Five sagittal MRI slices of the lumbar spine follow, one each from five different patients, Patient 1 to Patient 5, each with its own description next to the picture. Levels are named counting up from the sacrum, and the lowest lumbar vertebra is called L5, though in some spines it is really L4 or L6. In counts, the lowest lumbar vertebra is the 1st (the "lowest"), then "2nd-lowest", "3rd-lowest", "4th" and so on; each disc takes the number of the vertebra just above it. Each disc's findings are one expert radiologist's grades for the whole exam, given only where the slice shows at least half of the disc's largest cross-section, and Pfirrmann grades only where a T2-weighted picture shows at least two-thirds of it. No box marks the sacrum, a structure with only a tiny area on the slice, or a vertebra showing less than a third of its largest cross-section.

Patient 1 of 5:
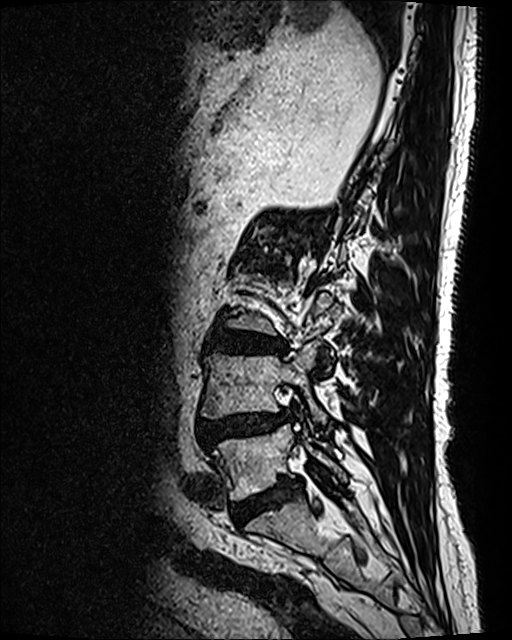 Lumbar spine MR, T2 SPACE (3D), sagittal | Slice 42 of 120
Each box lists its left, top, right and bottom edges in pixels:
L5 (lowest vertebra) — left=215, top=424, right=346, bottom=499 | intervertebral disc L4/L5 (2nd-lowest disc) — left=198, top=413, right=284, bottom=448 | L3/L4 (3rd-lowest disc) — left=206, top=329, right=286, bottom=353 | L4 (2nd-lowest vertebra) — left=201, top=344, right=326, bottom=424 | L5/S1 (lowest disc) — left=239, top=478, right=301, bottom=519

Expert MSK radiologist gradings (per disc):
• L4/L5 (2nd-lowest disc): Pfirrmann grade 4, Modic type II, disc narrowing, upper-endplate change, disc herniation, disc bulging, lower-endplate change, spondylolisthesis
• L3/L4 (3rd-lowest disc): Pfirrmann grade 4, disc bulging, lower-endplate change, upper-endplate change
• L5/S1 (lowest disc): no spondylolisthesis, narrowing, bulging, herniation, Modic or endplate change recorded

Patient 2 of 5:
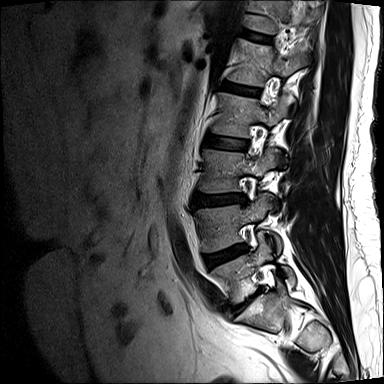

Image 384x384; T2-weighted sagittal MRI of the lumbar spine; Slice spacing 4.8 mm

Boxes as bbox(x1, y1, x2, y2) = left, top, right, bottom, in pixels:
L1/L2 (5th disc): bbox(221, 83, 259, 95) | disc L2/L3 (4th disc): bbox(203, 136, 247, 150) | L3/L4 (3rd-lowest disc): bbox(192, 194, 245, 205) | L1 (5th vertebra): bbox(227, 40, 307, 114) | L4 (2nd-lowest vertebra): bbox(194, 194, 281, 256) | disc T12/L1 (6th disc): bbox(241, 31, 270, 42) | L2 (4th vertebra): bbox(210, 92, 287, 168) | L3 (3rd-lowest vertebra): bbox(197, 150, 280, 210) | T12 (6th vertebra): bbox(247, 0, 314, 35) | L5 (lowest vertebra): bbox(212, 238, 295, 304) | L4/L5 (2nd-lowest disc): bbox(205, 245, 246, 265) | L5/S1 (lowest disc): bbox(230, 290, 258, 311)

Radiological gradings:
  L1/L2 (5th disc): upper-endplate change
  L5/S1 (lowest disc): lower-endplate change, Modic type II, upper-endplate change, disc bulging, disc narrowing
  L4/L5 (2nd-lowest disc): disc bulging, disc narrowing, lower-endplate change
  L3/L4 (3rd-lowest disc): Pfirrmann grade 1, disc bulging
  L2/L3 (4th disc): Pfirrmann grade 1
  T12/L1 (6th disc): no spondylolisthesis, narrowing, bulging, herniation, Modic or endplate change recorded

Patient 3 of 5:
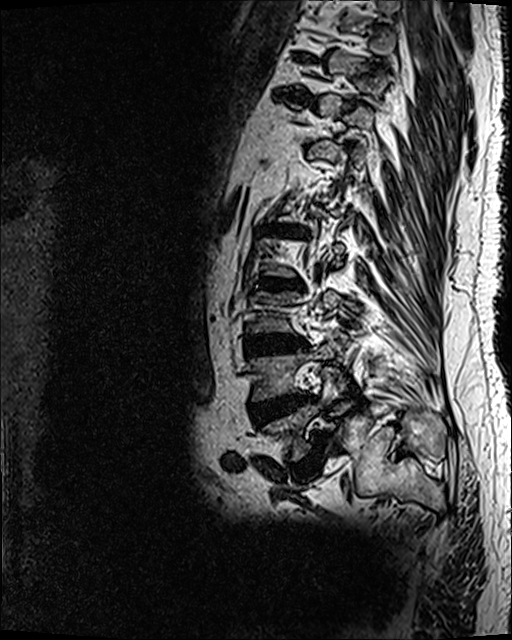 Patient sex: M, Slice 37/120, Sagittal T2 SPACE (3D) lumbar spine MRI

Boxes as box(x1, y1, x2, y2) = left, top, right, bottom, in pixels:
Segmented structures:
• 3rd-lowest disc = box(245, 334, 303, 355)
• 4th disc = box(255, 275, 305, 291)
• 2nd-lowest disc = box(249, 395, 314, 426)
• 8th disc = box(272, 90, 316, 105)
• lowest disc = box(292, 431, 327, 482)
• 5th disc = box(264, 222, 308, 235)
• lowest vertebra = box(262, 379, 339, 461)
• 2nd-lowest vertebra = box(249, 334, 348, 402)

Degenerative findings by level:
- 2nd-lowest disc: lower-endplate change, Modic type II, upper-endplate change, disc bulging, disc narrowing
- lowest disc: Pfirrmann grade 5, spondylolisthesis, upper-endplate change, disc narrowing, disc bulging, Modic type II, lower-endplate change
- 3rd-lowest disc: Pfirrmann grade 5, disc bulging, disc narrowing, upper-endplate change, lower-endplate change, Modic type II

Patient 4 of 5:
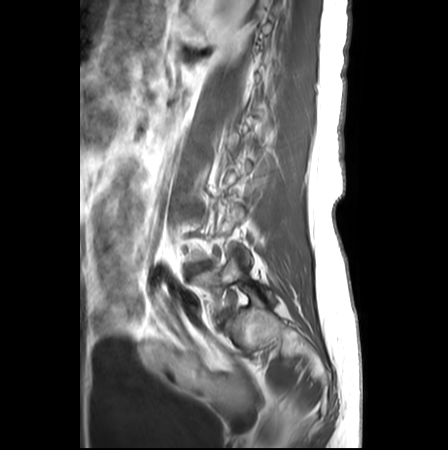

Slice 21 of 26, T1-weighted sagittal MRI of the lumbar spine

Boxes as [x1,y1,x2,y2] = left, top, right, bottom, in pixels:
L5 (lowest vertebra): [193,255,272,314]
IVD L4/L5 (2nd-lowest disc): [188,263,208,273]
L5/S1 (lowest disc): [219,311,228,322]

Patient 5 of 5:
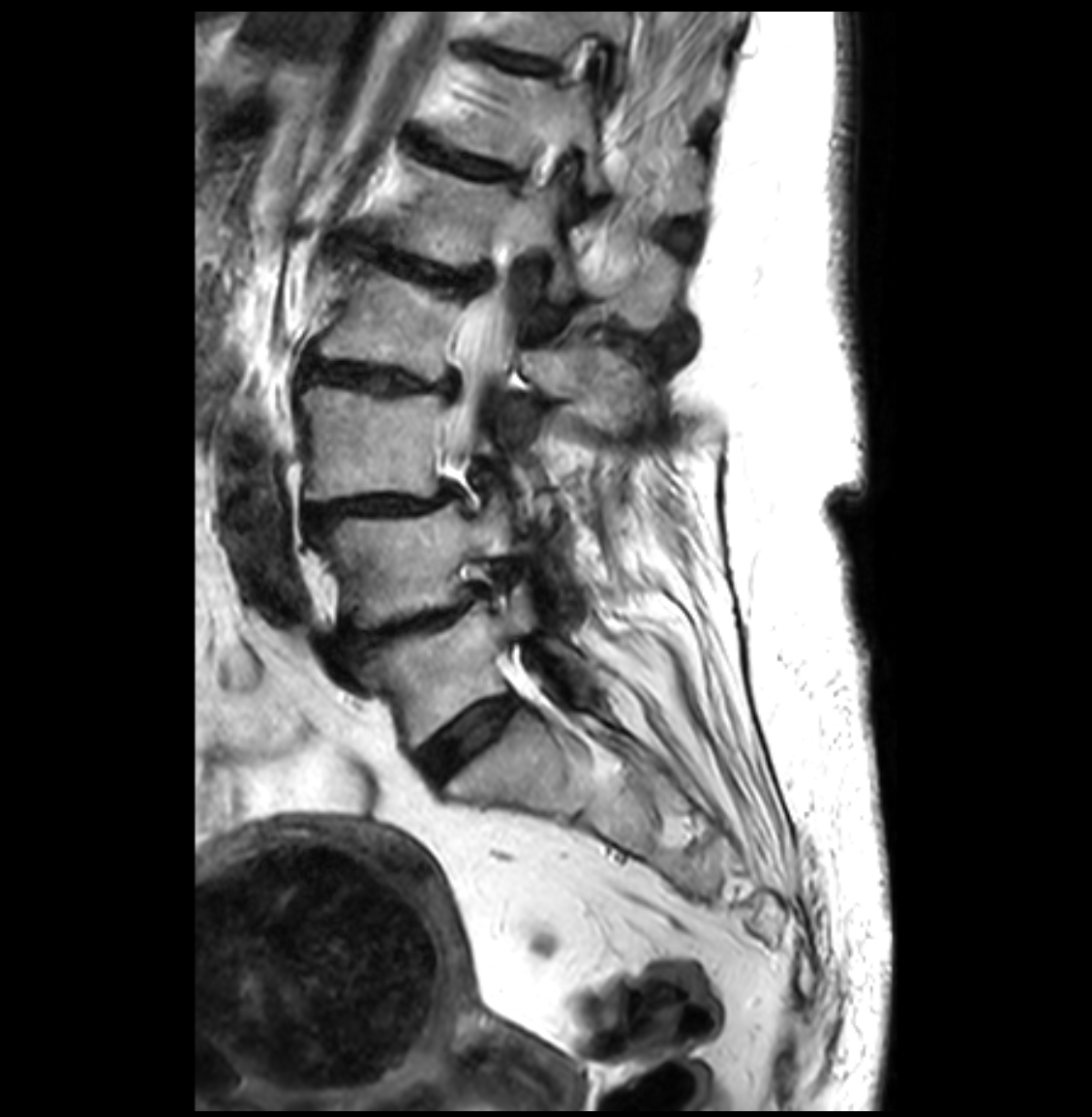 Sagittal T2-weighted lumbar spine MRI; Slice 19/33
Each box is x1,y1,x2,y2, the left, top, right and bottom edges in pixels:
L3 (3rd-lowest vertebra) — 297,385,499,500.
Spinal canal — 453,132,569,456.
T12 (6th vertebra) — 437,67,704,215.
T12/L1 (6th disc) — 422,143,513,180.
L5 (lowest vertebra) — 363,586,579,747.
Disc L5/S1 (lowest disc) — 417,698,516,782.
L1/L2 (5th disc) — 358,244,489,286.
L4/L5 (2nd-lowest disc) — 349,590,477,650.
L4 (2nd-lowest vertebra) — 312,498,513,627.
T11/T12 (7th disc) — 498,54,553,73.
L2 (4th vertebra) — 319,260,619,395.
L1 (5th vertebra) — 385,161,682,330.
Disc L3/L4 (3rd-lowest disc) — 307,488,452,528.
Disc L2/L3 (4th disc) — 302,349,457,397.
T11 (7th vertebra) — 500,12,723,101.

Degenerative findings by level:
• L4/L5 (2nd-lowest disc): disc bulging, disc narrowing
• L2/L3 (4th disc): Pfirrmann grade 4, lower-endplate change, upper-endplate change, disc bulging, disc narrowing
• L3/L4 (3rd-lowest disc): Pfirrmann grade 4, disc bulging, spondylolisthesis, disc narrowing
• L1/L2 (5th disc): disc bulging, lower-endplate change, upper-endplate change, disc narrowing
• L5/S1 (lowest disc): Pfirrmann grade 2